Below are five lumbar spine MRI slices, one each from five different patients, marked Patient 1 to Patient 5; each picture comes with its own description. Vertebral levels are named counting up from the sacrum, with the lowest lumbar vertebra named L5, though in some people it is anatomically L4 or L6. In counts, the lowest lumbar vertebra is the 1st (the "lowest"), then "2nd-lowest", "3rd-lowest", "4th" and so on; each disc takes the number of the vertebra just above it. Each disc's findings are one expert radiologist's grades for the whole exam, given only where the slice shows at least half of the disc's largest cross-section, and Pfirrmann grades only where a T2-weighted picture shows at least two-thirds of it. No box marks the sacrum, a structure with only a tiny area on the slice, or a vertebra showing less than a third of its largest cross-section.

Patient 1 of 5:
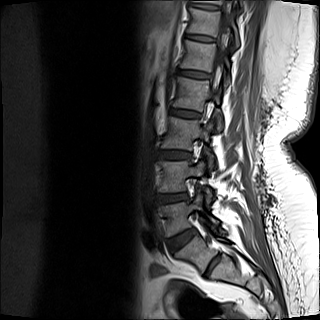
Image 320x320 | Lumbar spine MR, T1-weighted, sagittal
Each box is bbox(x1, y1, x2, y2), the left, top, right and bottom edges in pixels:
T12: bbox(187, 8, 239, 46).
L2: bbox(173, 77, 223, 130).
Disc T11/T12: bbox(190, 4, 220, 9).
T11: bbox(191, 0, 242, 7).
L3: bbox(161, 117, 215, 171).
Disc L1/L2: bbox(178, 69, 210, 78).
L5/S1: bbox(168, 229, 196, 250).
L4: bbox(158, 160, 211, 203).
Disc L4/L5: bbox(156, 193, 187, 204).
Spinal canal: bbox(217, 1, 233, 70).
T12/L1: bbox(186, 34, 215, 42).
L5 vertebra: bbox(158, 192, 218, 236).
L3/L4: bbox(158, 150, 190, 159).
L2/L3: bbox(170, 108, 200, 118).
L1 vertebra: bbox(181, 40, 230, 86).

Degenerative findings by level:
  L3/L4: lower-endplate change
  L4/L5: Modic type II, disc narrowing, disc bulging
  L2/L3, T11/T12, L1/L2, L5/S1, T12/L1: no spondylolisthesis, narrowing, bulging, herniation, Modic or endplate change recorded

Patient 2 of 5:
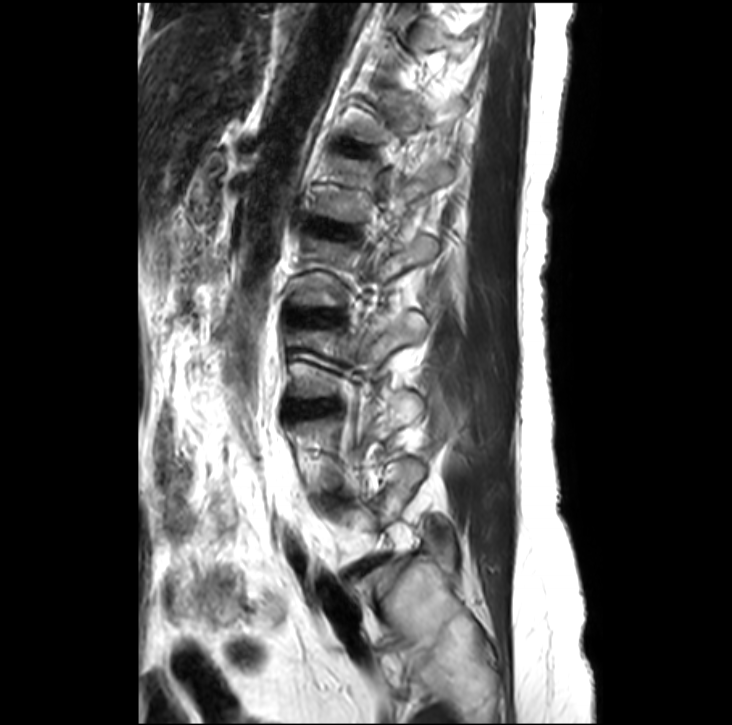 Field of view 284x282 mm, slice spacing 3.3 mm | Lumbar spine MR, T2-weighted, sagittal | Sex F
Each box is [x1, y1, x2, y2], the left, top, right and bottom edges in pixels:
3rd-lowest vertebra at [295, 313, 426, 397], 4th vertebra at [295, 235, 438, 306], 3rd-lowest disc at [299, 401, 334, 413], 4th disc at [305, 314, 335, 324], 5th vertebra at [315, 159, 452, 221], lowest disc at [356, 557, 386, 574], 5th disc at [321, 225, 346, 236], 6th vertebra at [355, 89, 464, 142].

Patient 3 of 5:
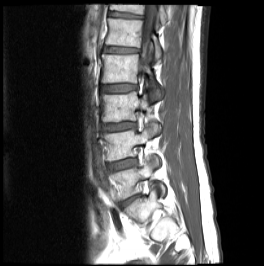

Sex M; T1-weighted sagittal MRI of the lumbar spine
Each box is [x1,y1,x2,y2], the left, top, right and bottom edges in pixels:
Lowest vertebra at [111,158,165,199], 2nd-lowest disc at [109,159,135,170], 4th disc at [101,85,136,91], 2nd-lowest vertebra at [103,123,160,162], 5th disc at [104,47,138,52], 5th vertebra at [105,18,161,59], 6th vertebra at [110,4,168,24], 4th vertebra at [101,54,161,100], 3rd-lowest disc at [102,122,135,131], thecal sac / spinal canal at [141,5,156,64], 3rd-lowest vertebra at [101,91,148,121], 6th disc at [109,12,141,17].

Radiological gradings:
- 2nd-lowest disc: disc bulging
- 6th disc: lower-endplate change, upper-endplate change
- 3rd-lowest disc: upper-endplate change, disc bulging
- 5th disc: Modic type II, upper-endplate change, lower-endplate change
- 4th disc: Modic type II

Patient 4 of 5:
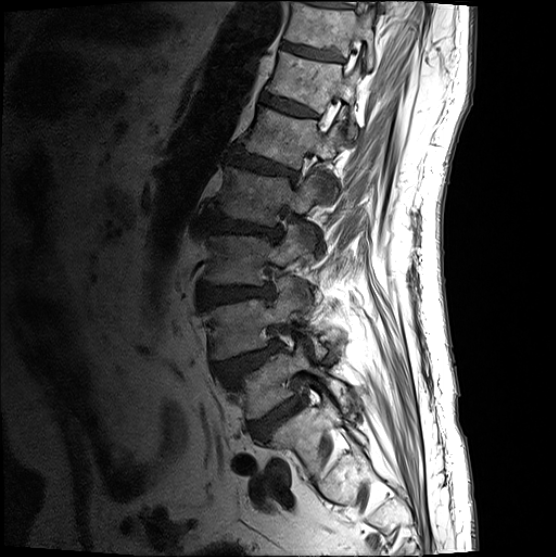 Field of view 300x301 mm, slice spacing 3.3 mm, Sagittal T1-weighted lumbar spine MRI

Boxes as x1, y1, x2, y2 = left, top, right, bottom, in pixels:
spinal canal: 313, 1, 373, 154
T12 (6th vertebra): 266, 53, 360, 141
L1 (5th vertebra): 241, 108, 339, 199
IVD T11/T12 (7th disc): 281, 44, 343, 63
IVD L1/L2 (5th disc): 228, 150, 299, 182
L2 (4th vertebra): 209, 166, 320, 247
T11 (7th vertebra): 284, 2, 377, 71
L5 (lowest vertebra): 228, 346, 345, 422
IVD L3/L4 (3rd-lowest disc): 200, 286, 274, 308
L3 (3rd-lowest vertebra): 203, 226, 312, 308
IVD L4/L5 (2nd-lowest disc): 216, 342, 282, 382
L5/S1 (lowest disc): 250, 399, 306, 442
IVD L2/L3 (4th disc): 203, 212, 282, 241
T12/L1 (6th disc): 262, 97, 317, 119
L4 (2nd-lowest vertebra): 204, 280, 327, 362

Degenerative findings by level:
• L2/L3 (4th disc): disc narrowing, lower-endplate change, upper-endplate change, disc bulging
• L1/L2 (5th disc): upper-endplate change, lower-endplate change, disc bulging
• T11/T12 (7th disc): lower-endplate change
• L4/L5 (2nd-lowest disc): spondylolisthesis, disc herniation, upper-endplate change
• L3/L4 (3rd-lowest disc): disc bulging
• T12/L1 (6th disc), L5/S1 (lowest disc): no spondylolisthesis, narrowing, bulging, herniation, Modic or endplate change recorded

Patient 5 of 5:
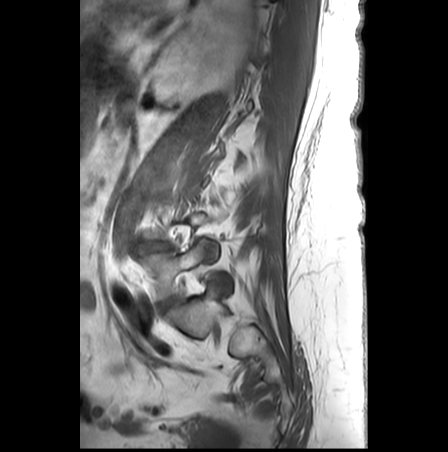 MRI lumbar spine (T1-weighted), sagittal plane | Slice 22 of 28 | Patient sex: F

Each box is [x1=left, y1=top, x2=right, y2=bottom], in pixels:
• disc L5/S1 = [x1=156, y1=297, x2=178, y2=311]
• L5 = [x1=138, y1=241, x2=229, y2=300]
• L4/L5 = [x1=138, y1=241, x2=171, y2=253]

Degenerative findings by level:
  L4/L5: Modic type II, lower-endplate change, disc bulging, upper-endplate change, disc narrowing